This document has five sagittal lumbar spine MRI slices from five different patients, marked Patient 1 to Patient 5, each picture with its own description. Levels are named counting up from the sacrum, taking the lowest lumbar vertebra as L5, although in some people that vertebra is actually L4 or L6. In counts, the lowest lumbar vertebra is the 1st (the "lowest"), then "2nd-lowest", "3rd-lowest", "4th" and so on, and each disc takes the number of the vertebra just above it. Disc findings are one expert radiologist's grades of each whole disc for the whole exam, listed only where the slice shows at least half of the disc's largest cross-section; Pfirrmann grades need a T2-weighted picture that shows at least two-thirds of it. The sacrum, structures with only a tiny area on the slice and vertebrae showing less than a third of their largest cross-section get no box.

Patient 1 of 5:
T2 SPACE (3D) sagittal MRI of the lumbar spine. Image 618x793. Patient sex: M. 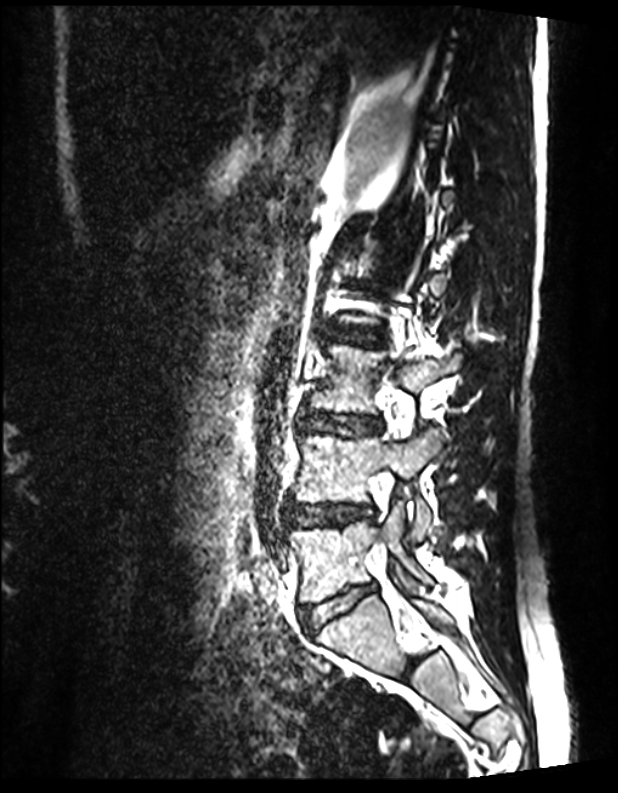

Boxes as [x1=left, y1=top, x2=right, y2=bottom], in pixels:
4th disc at [x1=323, y1=325, x2=381, y2=345].
3rd-lowest disc at [x1=300, y1=413, x2=382, y2=436].
Lowest vertebra at [x1=288, y1=506, x2=430, y2=602].
Lowest disc at [x1=300, y1=583, x2=374, y2=632].
3rd-lowest vertebra at [x1=311, y1=345, x2=461, y2=413].
2nd-lowest vertebra at [x1=294, y1=430, x2=439, y2=541].
2nd-lowest disc at [x1=289, y1=504, x2=372, y2=524].

Radiological gradings:
• 3rd-lowest disc: Pfirrmann grade 1
• 2nd-lowest disc, lowest disc: no herniation, bulging, narrowing, spondylolisthesis, endplate or Modic change recorded

Patient 2 of 5:
MRI lumbar spine (T2-weighted), sagittal plane
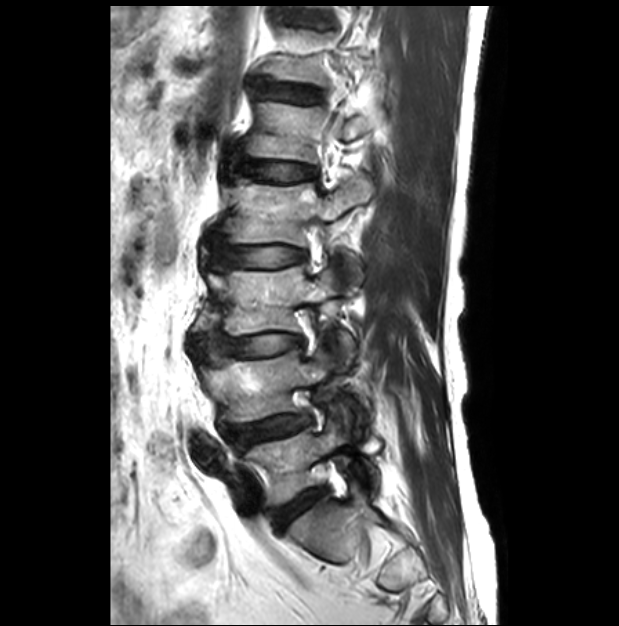

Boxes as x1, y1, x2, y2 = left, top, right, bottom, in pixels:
Disc L3/L4 at 195, 332, 301, 362; L4 vertebra at 202, 349, 366, 433; L3 vertebra at 209, 267, 355, 370; L2/L3 at 207, 235, 306, 269; disc L1/L2 at 221, 148, 314, 181; L5 vertebra at 243, 420, 380, 504; L5/S1 at 272, 488, 325, 530; L2 at 228, 174, 373, 292; L1 vertebra at 249, 102, 383, 162; T12/L1 at 254, 79, 319, 102; disc L4/L5 at 228, 415, 310, 447.

Expert MSK radiologist gradings (per disc):
• L4/L5: Pfirrmann grade 3, disc bulging, upper-endplate change, disc narrowing, spondylolisthesis, lower-endplate change
• T12/L1: Pfirrmann grade 1
• L2/L3: Pfirrmann grade 1
• L1/L2: Pfirrmann grade 1
• L3/L4: Pfirrmann grade 1

Patient 3 of 5:
Image 512x640, Sagittal slice index 43, Patient sex: F, MRI lumbar spine (T2 SPACE (3D)), sagittal plane 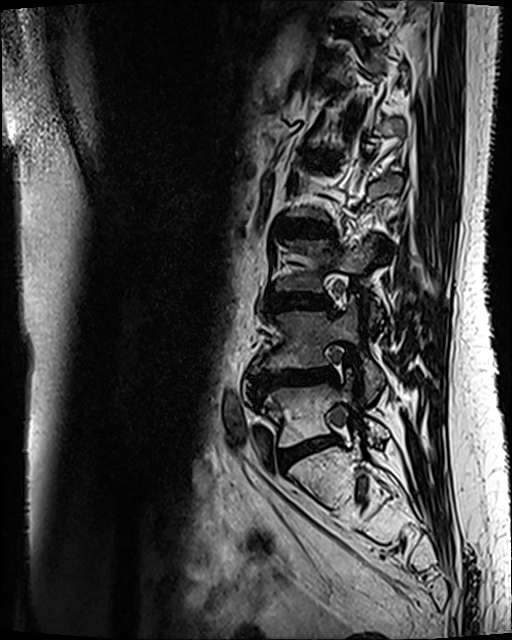 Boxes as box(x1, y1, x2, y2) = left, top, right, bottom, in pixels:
Segmented structures:
* 4th disc: box(279, 220, 332, 237)
* 2nd-lowest vertebra: box(253, 296, 383, 400)
* 2nd-lowest disc: box(249, 368, 336, 395)
* 3rd-lowest disc: box(269, 295, 332, 309)
* lowest vertebra: box(260, 378, 389, 447)
* lowest disc: box(277, 436, 338, 469)
* 5th disc: box(311, 153, 336, 163)

Per-level radiological findings:
• 3rd-lowest disc: Pfirrmann grade 3, disc bulging, Modic type II
• 4th disc: Pfirrmann grade 3, Modic type II, disc bulging
• 2nd-lowest disc: Pfirrmann grade 4, Modic type II, disc narrowing, upper-endplate change, lower-endplate change, disc bulging

Patient 4 of 5:
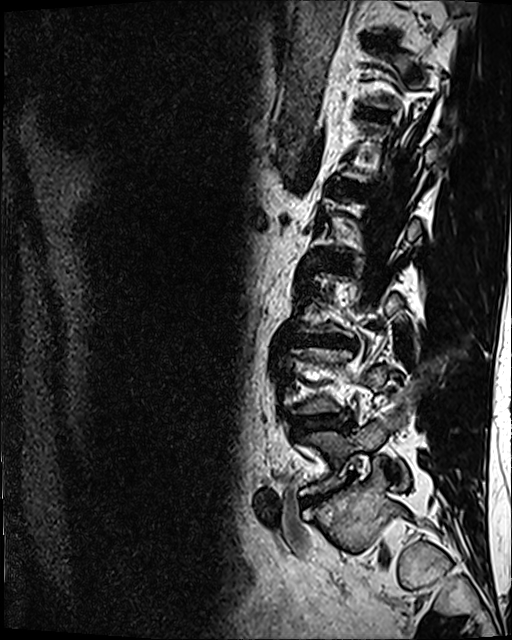

512x640 px. Sex M. T2 SPACE (3D) sagittal MRI of the lumbar spine.
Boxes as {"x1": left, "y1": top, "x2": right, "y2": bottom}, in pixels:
L5/S1: {"x1": 303, "y1": 486, "x2": 343, "y2": 504}.
IVD T11/T12: {"x1": 364, "y1": 36, "x2": 391, "y2": 46}.
L3/L4: {"x1": 298, "y1": 335, "x2": 353, "y2": 348}.
IVD L1/L2: {"x1": 346, "y1": 184, "x2": 364, "y2": 193}.
L5 vertebra: {"x1": 301, "y1": 415, "x2": 409, "y2": 494}.
IVD T12/L1: {"x1": 363, "y1": 112, "x2": 387, "y2": 118}.
L4/L5: {"x1": 292, "y1": 414, "x2": 349, "y2": 431}.

Expert MSK radiologist gradings (per disc):
  L3/L4: disc narrowing, lower-endplate change, disc bulging

Patient 5 of 5:
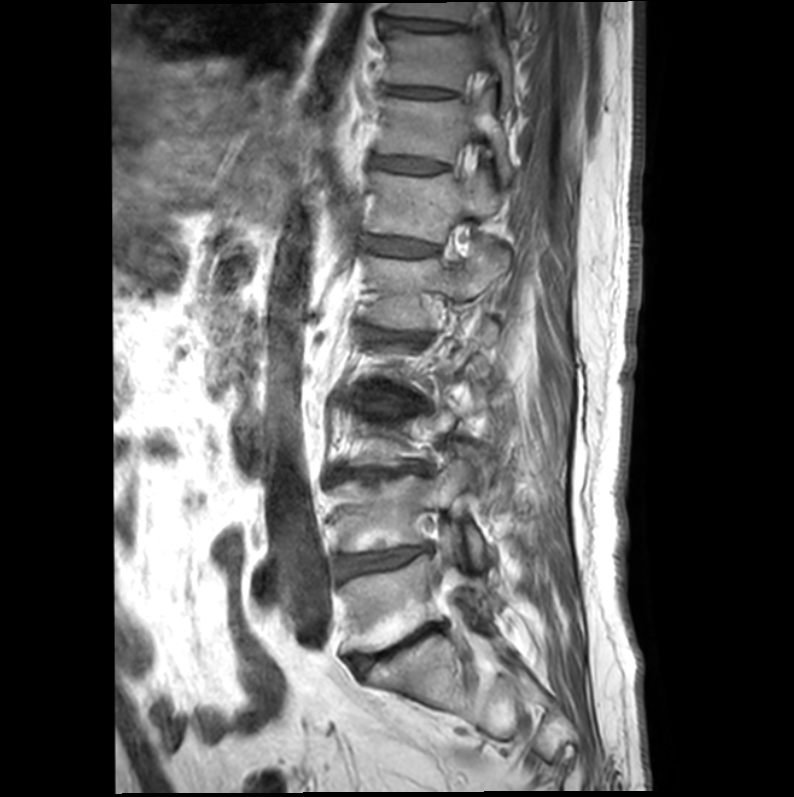 Sagittal T1-weighted lumbar spine MRI
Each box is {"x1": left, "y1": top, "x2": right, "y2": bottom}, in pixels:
{"T9/T10": {"x1": 381, "y1": 18, "x2": 461, "y2": 30}, "L4": {"x1": 332, "y1": 463, "x2": 484, "y2": 566}, "T12 vertebra": {"x1": 369, "y1": 170, "x2": 499, "y2": 242}, "T12/L1": {"x1": 366, "y1": 238, "x2": 435, "y2": 256}, "L5": {"x1": 342, "y1": 546, "x2": 499, "y2": 651}, "L1 vertebra": {"x1": 363, "y1": 240, "x2": 507, "y2": 329}, "T11": {"x1": 377, "y1": 92, "x2": 511, "y2": 179}, "T10": {"x1": 385, "y1": 29, "x2": 511, "y2": 109}, "thecal sac / spinal canal": {"x1": 478, "y1": 35, "x2": 489, "y2": 67}, "T9 vertebra": {"x1": 387, "y1": 1, "x2": 518, "y2": 30}, "T10/T11": {"x1": 387, "y1": 86, "x2": 450, "y2": 96}, "L5/S1": {"x1": 351, "y1": 624, "x2": 443, "y2": 669}, "T11/T12": {"x1": 371, "y1": 156, "x2": 443, "y2": 172}, "L3/L4": {"x1": 336, "y1": 466, "x2": 413, "y2": 480}, "L1/L2": {"x1": 364, "y1": 328, "x2": 417, "y2": 340}, "L4/L5": {"x1": 337, "y1": 545, "x2": 429, "y2": 580}}

Radiological gradings:
  L5/S1: disc narrowing, upper-endplate change, Modic type II, lower-endplate change, disc bulging
  L4/L5: disc bulging, lower-endplate change, Modic type II, upper-endplate change, disc narrowing
  T10/T11, T9/T10, T12/L1, T11/T12: no Modic or endplate change, herniation, narrowing, bulging or spondylolisthesis recorded